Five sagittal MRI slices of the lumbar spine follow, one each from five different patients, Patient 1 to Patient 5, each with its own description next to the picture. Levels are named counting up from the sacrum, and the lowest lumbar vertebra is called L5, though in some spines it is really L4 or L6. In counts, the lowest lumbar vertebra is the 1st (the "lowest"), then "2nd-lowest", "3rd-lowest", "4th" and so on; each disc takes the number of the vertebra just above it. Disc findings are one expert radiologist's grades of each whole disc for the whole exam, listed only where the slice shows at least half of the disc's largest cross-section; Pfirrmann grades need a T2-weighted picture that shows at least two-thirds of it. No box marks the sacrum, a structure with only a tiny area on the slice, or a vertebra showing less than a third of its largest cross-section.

Patient 1 of 5:
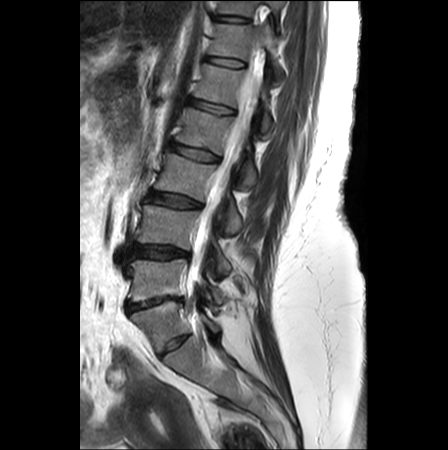 Image 448x450 | MRI lumbar spine (T2-weighted), sagittal plane | Sagittal slice index 10

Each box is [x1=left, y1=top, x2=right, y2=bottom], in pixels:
{"spinal canal": "[x1=189, y1=73, x2=259, y2=292]", "4th vertebra": "[x1=176, y1=108, x2=256, y2=191]", "lowest disc": "[x1=126, y1=297, x2=183, y2=312]", "2nd-lowest vertebra": "[x1=138, y1=205, x2=231, y2=274]", "5th disc": "[x1=189, y1=98, x2=232, y2=114]", "4th disc": "[x1=168, y1=142, x2=218, y2=160]", "6th disc": "[x1=207, y1=57, x2=241, y2=67]", "5th vertebra": "[x1=194, y1=63, x2=270, y2=131]", "6th vertebra": "[x1=209, y1=24, x2=276, y2=59]", "7th disc": "[x1=218, y1=16, x2=243, y2=21]", "2nd-lowest disc": "[x1=133, y1=244, x2=189, y2=259]", "3rd-lowest disc": "[x1=147, y1=191, x2=200, y2=207]", "3rd-lowest vertebra": "[x1=155, y1=153, x2=241, y2=234]", "7th vertebra": "[x1=220, y1=1, x2=281, y2=15]", "lowest vertebra": "[x1=128, y1=259, x2=221, y2=303]"}

Radiological gradings:
  2nd-lowest disc: Pfirrmann grade 4, disc bulging, disc herniation
  4th disc: Pfirrmann grade 2, upper-endplate change, lower-endplate change
  6th disc: Pfirrmann grade 1
  3rd-lowest disc: Pfirrmann grade 3, disc bulging, Modic type II
  5th disc: Pfirrmann grade 2, upper-endplate change, lower-endplate change
  lowest disc: Pfirrmann grade 5, disc narrowing, disc bulging, Modic type II, spondylolisthesis
  7th disc: no spondylolisthesis, narrowing, bulging, herniation, Modic or endplate change recorded

Patient 2 of 5:
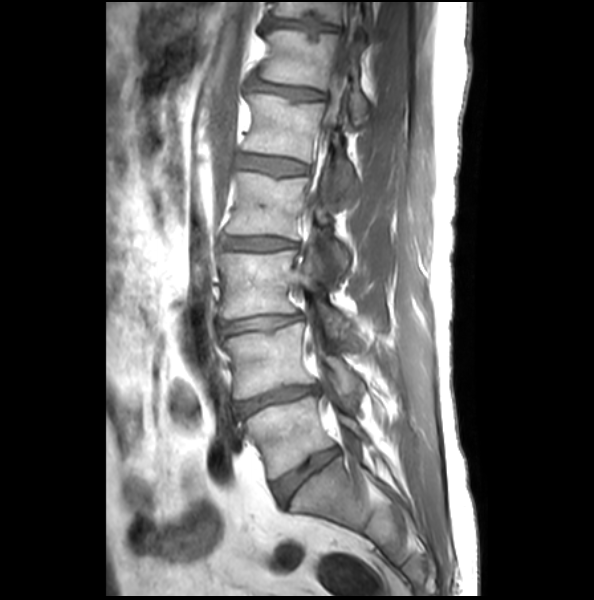 594x600 px; Slice 12 of 28; Lumbar spine MR, T1-weighted, sagittal; Slice spacing 3.3 mm
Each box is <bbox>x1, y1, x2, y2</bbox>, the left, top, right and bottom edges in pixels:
disc L1/L2: <bbox>241, 156, 307, 176</bbox>
L3: <bbox>221, 243, 348, 342</bbox>
L4: <bbox>224, 324, 366, 399</bbox>
T12 vertebra: <bbox>260, 31, 370, 124</bbox>
L5: <bbox>240, 394, 374, 480</bbox>
L1: <bbox>245, 95, 354, 195</bbox>
disc L3/L4: <bbox>220, 314, 301, 336</bbox>
disc L5/S1: <bbox>273, 447, 340, 501</bbox>
disc T12/L1: <bbox>255, 82, 322, 100</bbox>
disc L4/L5: <bbox>235, 385, 319, 418</bbox>
spinal canal: <bbox>320, 3, 361, 139</bbox>
T11 vertebra: <bbox>274, 2, 376, 33</bbox>
L2 vertebra: <bbox>227, 163, 349, 271</bbox>
T11/T12: <bbox>269, 20, 337, 37</bbox>
disc L2/L3: <bbox>223, 237, 296, 250</bbox>

Expert MSK radiologist gradings (per disc):
  L3/L4: disc narrowing, disc bulging
  L2/L3: disc bulging, disc narrowing
  T12/L1: disc bulging, upper-endplate change
  T11/T12: lower-endplate change, upper-endplate change, disc bulging
  L1/L2: upper-endplate change
  L5/S1: lower-endplate change, upper-endplate change
  L4/L5: disc bulging, lower-endplate change, disc narrowing

Patient 3 of 5:
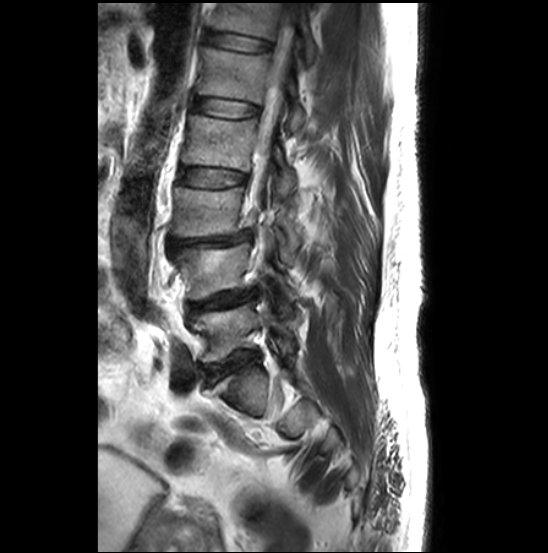
Lumbar spine MR, T2-weighted, sagittal; 548x553 px; Slice 18 of 27
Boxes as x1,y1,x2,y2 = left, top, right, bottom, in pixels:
{"L4 vertebra": "173,243,299,300", "L1": "198,47,305,130", "disc L1/L2": "195,99,259,118", "disc T12/L1": "207,31,272,51", "thecal sac / spinal canal": "252,17,294,229", "disc L2/L3": "179,168,247,187", "T12 vertebra": "211,3,315,62", "L3": "170,187,303,258", "disc L3/L4": "168,230,252,254", "disc L5/S1": "206,351,257,383", "L4/L5": "189,289,257,310", "L5 vertebra": "190,304,293,362", "L2 vertebra": "181,115,296,193"}

Per-level radiological findings:
• T12/L1: Pfirrmann grade 2
• L1/L2: Pfirrmann grade 2
• L2/L3: Pfirrmann grade 2
• L4/L5: Pfirrmann grade 3, disc bulging, lower-endplate change, upper-endplate change, disc narrowing, Modic type II
• L3/L4: Pfirrmann grade 5, disc herniation, upper-endplate change, disc narrowing, spondylolisthesis, lower-endplate change, Modic type II
• L5/S1: upper-endplate change, disc bulging, lower-endplate change, Modic type II, disc narrowing

Patient 4 of 5:
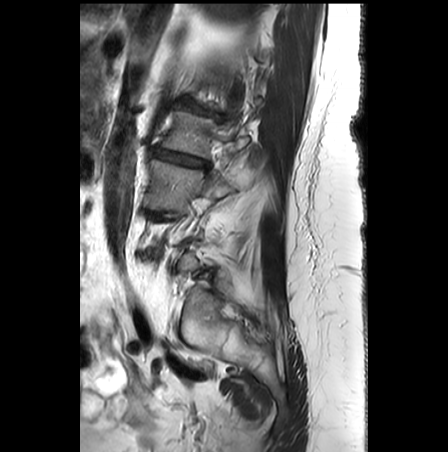

MRI lumbar spine (T2-weighted), sagittal plane
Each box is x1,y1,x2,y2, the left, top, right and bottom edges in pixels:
• 5th disc = 179,101,211,114
• 4th disc = 149,148,207,167
• 3rd-lowest vertebra = 147,159,233,211
• 4th vertebra = 161,111,247,158

Per-level radiological findings:
- 4th disc: Pfirrmann grade 5, disc bulging, Modic type II, lower-endplate change, upper-endplate change, disc narrowing

Patient 5 of 5:
Scanner: SIEMENS Avanto_fit (1.5T), Field of view 240x302 mm, Sagittal T2 SPACE (3D) lumbar spine MRI

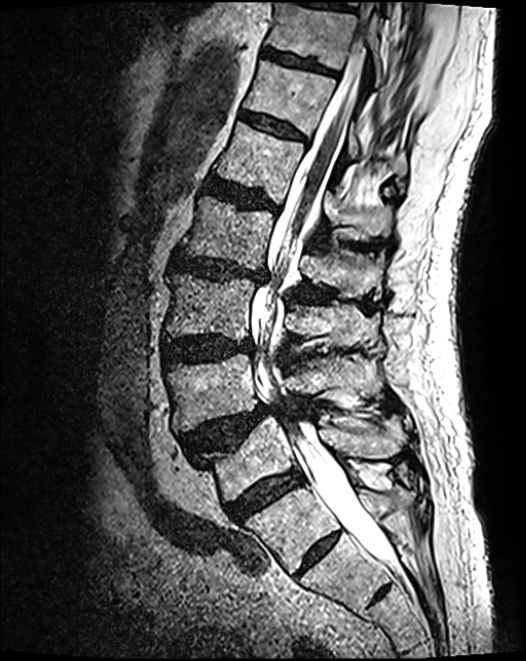
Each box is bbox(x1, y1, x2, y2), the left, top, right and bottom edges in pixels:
Intervertebral disc L1/L2: bbox(205, 178, 280, 213).
Intervertebral disc L2/L3: bbox(170, 253, 267, 283).
L1: bbox(216, 123, 391, 241).
L5 vertebra: bbox(201, 417, 403, 502).
L3 vertebra: bbox(165, 274, 378, 347).
T12: bbox(245, 61, 406, 177).
L4: bbox(166, 355, 379, 432).
Intervertebral disc L3/L4: bbox(162, 337, 254, 364).
L2: bbox(181, 197, 385, 299).
T11 vertebra: bbox(267, 3, 382, 86).
T12/L1: bbox(239, 112, 305, 141).
T11/T12: bbox(262, 48, 336, 74).
Thecal sac / spinal canal: bbox(251, 3, 392, 566).
Intervertebral disc L4/L5: bbox(180, 405, 274, 459).
L5/S1: bbox(227, 471, 302, 521).

Expert MSK radiologist gradings (per disc):
• L1/L2: Pfirrmann grade 4, lower-endplate change, upper-endplate change, disc bulging
• L2/L3: Pfirrmann grade 4, lower-endplate change, disc bulging, disc narrowing, upper-endplate change
• T11/T12: Pfirrmann grade 3, lower-endplate change
• L4/L5: Pfirrmann grade 4, spondylolisthesis, disc herniation, upper-endplate change
• L5/S1: Pfirrmann grade 4
• T12/L1: Pfirrmann grade 3
• L3/L4: Pfirrmann grade 4, disc bulging